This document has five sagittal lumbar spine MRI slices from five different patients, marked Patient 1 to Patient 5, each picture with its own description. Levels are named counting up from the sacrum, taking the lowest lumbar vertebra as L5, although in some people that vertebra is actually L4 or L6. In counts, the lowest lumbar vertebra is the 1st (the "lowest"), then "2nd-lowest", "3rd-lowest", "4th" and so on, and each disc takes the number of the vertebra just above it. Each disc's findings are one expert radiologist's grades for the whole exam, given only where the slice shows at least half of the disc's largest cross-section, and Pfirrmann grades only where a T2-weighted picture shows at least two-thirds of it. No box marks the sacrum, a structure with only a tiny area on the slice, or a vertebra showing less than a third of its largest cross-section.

Patient 1 of 5:
Sex M. MRI lumbar spine (T2 SPACE (3D)), sagittal plane. SIEMENS Avanto_fit (1.5T).

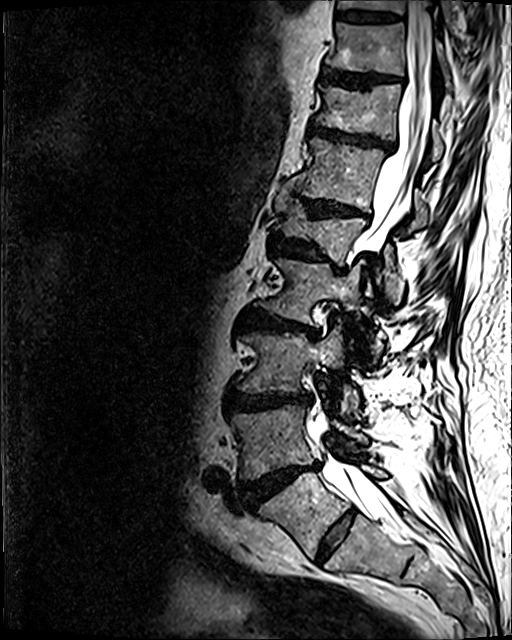
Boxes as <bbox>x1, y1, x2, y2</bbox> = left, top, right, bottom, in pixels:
L3/L4 at <bbox>228, 390, 312, 413</bbox>, disc T12/L1 at <bbox>305, 200, 368, 217</bbox>, L4 vertebra at <bbox>232, 405, 367, 479</bbox>, disc T11/T12 at <bbox>310, 123, 391, 151</bbox>, T9/T10 at <bbox>337, 11, 400, 21</bbox>, T9 vertebra at <bbox>338, 0, 454, 30</bbox>, disc L2/L3 at <bbox>243, 311, 319, 338</bbox>, T12 at <bbox>289, 137, 430, 231</bbox>, L1 at <bbox>275, 187, 397, 292</bbox>, L5 at <bbox>259, 465, 388, 558</bbox>, T11 vertebra at <bbox>315, 84, 443, 161</bbox>, L5/S1 at <bbox>315, 510, 355, 562</bbox>, T10/T11 at <bbox>321, 69, 402, 87</bbox>, L1/L2 at <bbox>270, 235, 337, 270</bbox>, spinal canal at <bbox>307, 0, 432, 521</bbox>, T10 vertebra at <bbox>325, 22, 451, 91</bbox>, L2 at <bbox>256, 258, 380, 354</bbox>, L3 at <bbox>237, 326, 359, 412</bbox>, disc L4/L5 at <bbox>243, 463, 318, 506</bbox>.

Per-level radiological findings:
- T10/T11: Pfirrmann grade 4, lower-endplate change, upper-endplate change, disc bulging
- L4/L5: Pfirrmann grade 5, Modic type II, disc bulging, disc narrowing, disc herniation, lower-endplate change, upper-endplate change
- T9/T10: Pfirrmann grade 3, lower-endplate change
- L2/L3: upper-endplate change, disc bulging, lower-endplate change, disc narrowing, Modic type II
- L5/S1: Pfirrmann grade 2
- L1/L2: upper-endplate change, disc bulging, disc narrowing, lower-endplate change
- T12/L1: disc narrowing, disc bulging, upper-endplate change, lower-endplate change
- T11/T12: Pfirrmann grade 4, lower-endplate change, disc bulging, disc narrowing, upper-endplate change
- L3/L4: Pfirrmann grade 4, disc bulging, disc narrowing, lower-endplate change, upper-endplate change

Patient 2 of 5:
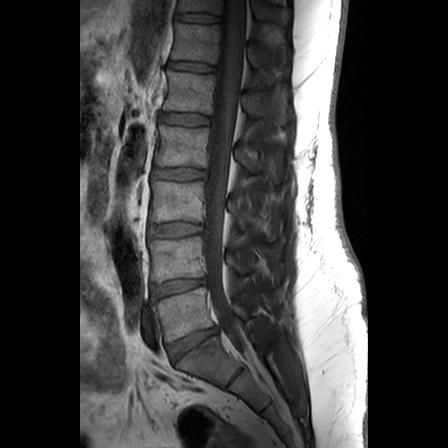

Sagittal slice index 11 | T1-weighted sagittal MRI of the lumbar spine | Patient sex: M
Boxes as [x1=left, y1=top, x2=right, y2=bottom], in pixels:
- T11 (7th vertebra) = [x1=178, y1=0, x2=275, y2=20]
- L4 (2nd-lowest vertebra) = [x1=149, y1=236, x2=254, y2=281]
- L2 (4th vertebra) = [x1=155, y1=125, x2=252, y2=170]
- IVD L2/L3 (4th disc) = [x1=152, y1=168, x2=205, y2=179]
- L4/L5 (2nd-lowest disc) = [x1=151, y1=279, x2=204, y2=298]
- L3/L4 (3rd-lowest disc) = [x1=149, y1=222, x2=201, y2=236]
- L1 (5th vertebra) = [x1=164, y1=70, x2=289, y2=122]
- thecal sac / spinal canal = [x1=203, y1=0, x2=251, y2=357]
- L3 (3rd-lowest vertebra) = [x1=150, y1=181, x2=249, y2=229]
- IVD L1/L2 (5th disc) = [x1=159, y1=112, x2=208, y2=125]
- IVD T12/L1 (6th disc) = [x1=170, y1=61, x2=214, y2=71]
- T12 (6th vertebra) = [x1=172, y1=22, x2=273, y2=67]
- T11/T12 (7th disc) = [x1=176, y1=13, x2=218, y2=22]
- L5/S1 (lowest disc) = [x1=167, y1=327, x2=217, y2=361]
- L5 (lowest vertebra) = [x1=153, y1=287, x2=252, y2=341]

Per-level radiological findings:
- L5/S1 (lowest disc): disc bulging
- L2/L3 (4th disc): disc bulging
- T12/L1 (6th disc), L4/L5 (2nd-lowest disc), L3/L4 (3rd-lowest disc), T11/T12 (7th disc), L1/L2 (5th disc): no spondylolisthesis, narrowing, bulging, herniation, Modic or endplate change recorded

Patient 3 of 5:
Slice 11 of 19. Lumbar spine MR, T1-weighted, sagittal. 320x323 px.
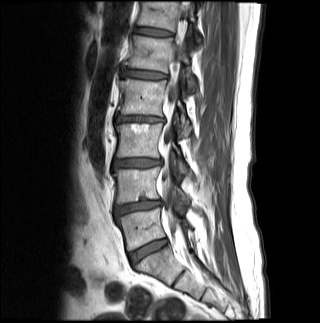

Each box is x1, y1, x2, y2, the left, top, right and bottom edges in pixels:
L3 = 116, 124, 186, 172.
L4/L5 = 114, 201, 161, 215.
Thecal sac / spinal canal = 162, 9, 187, 235.
L1 = 124, 36, 195, 89.
IVD L1/L2 = 122, 69, 167, 78.
IVD L3/L4 = 113, 158, 161, 167.
IVD L5/S1 = 129, 239, 167, 264.
L4 = 113, 167, 190, 204.
IVD L2/L3 = 116, 115, 163, 123.
IVD T12/L1 = 135, 28, 172, 36.
L2 vertebra = 118, 79, 191, 137.
T12 = 137, 1, 200, 41.
L5 vertebra = 117, 208, 189, 251.

Per-level radiological findings:
- L1/L2: lower-endplate change, upper-endplate change
- L2/L3: disc narrowing, upper-endplate change, Modic type II, lower-endplate change, disc bulging
- L4/L5: disc bulging, lower-endplate change, disc narrowing
- L3/L4: disc bulging
- T12/L1, L5/S1: no herniation, bulging, narrowing, spondylolisthesis, endplate or Modic change recorded

Patient 4 of 5:
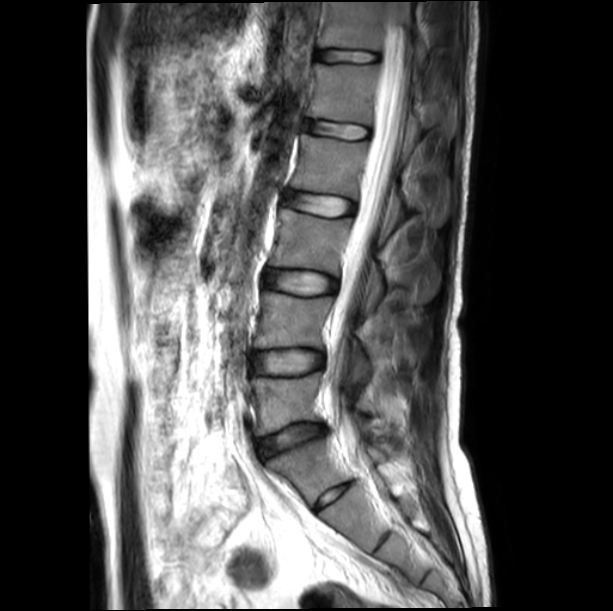 T2-weighted sagittal MRI of the lumbar spine
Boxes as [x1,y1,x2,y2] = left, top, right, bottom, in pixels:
Spinal canal at [330,19,405,455].
L5 vertebra at [252,373,372,435].
Intervertebral disc L2/L3 at [284,191,355,217].
L5/S1 at [258,424,324,456].
L3/L4 at [264,270,337,295].
T12 vertebra at [319,2,426,70].
L2 vertebra at [292,134,446,232].
Intervertebral disc T12/L1 at [317,50,378,62].
L4/L5 at [252,349,323,374].
Intervertebral disc L1/L2 at [302,120,368,138].
L4 at [255,292,368,373].
L1 at [305,64,456,152].
L3 at [269,209,381,310].

Per-level radiological findings:
  L1/L2: Pfirrmann grade 1
  L2/L3: Pfirrmann grade 1
  L3/L4: Pfirrmann grade 1
  L4/L5: Pfirrmann grade 1
  T12/L1: Pfirrmann grade 1
  L5/S1: Pfirrmann grade 2, disc narrowing, disc bulging

Patient 5 of 5:
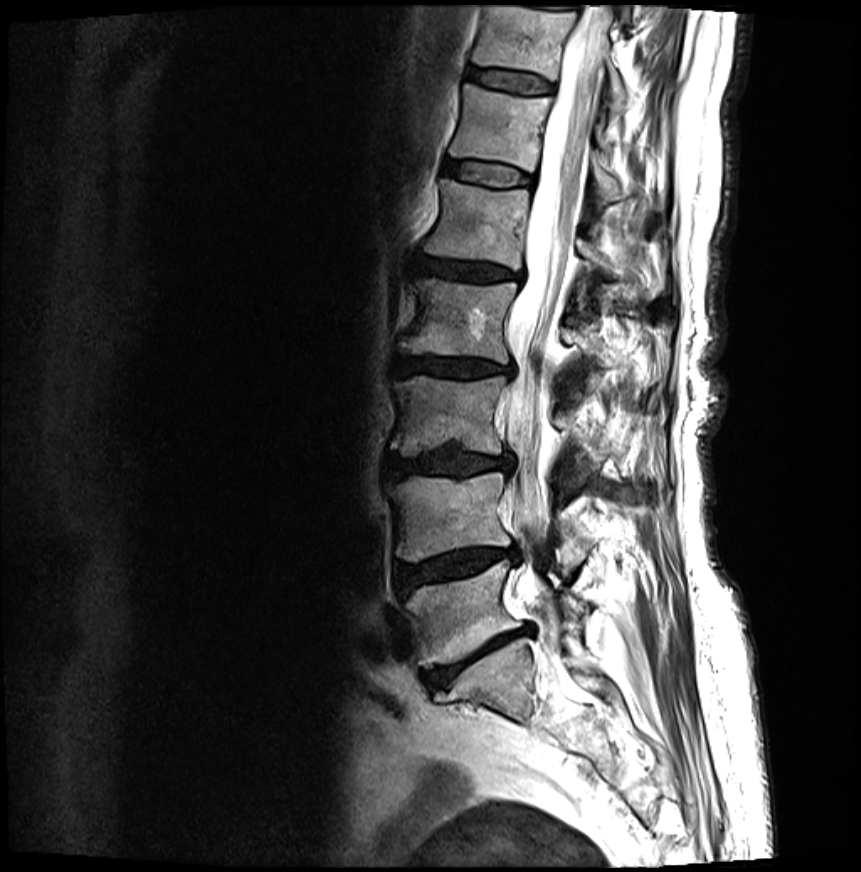
Lumbar spine MR, T2-weighted, sagittal
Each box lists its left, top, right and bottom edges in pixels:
7th vertebra at left=471, top=6, right=628, bottom=117; 6th vertebra at left=449, top=85, right=623, bottom=200; 3rd-lowest disc at left=387, top=450, right=513, bottom=477; 7th disc at left=467, top=69, right=552, bottom=95; lowest disc at left=424, top=627, right=529, bottom=689; thecal sac / spinal canal at left=504, top=6, right=609, bottom=639; 6th disc at left=446, top=162, right=530, bottom=188; 3rd-lowest vertebra at left=390, top=376, right=599, bottom=461; 4th disc at left=393, top=357, right=512, bottom=377; 5th disc at left=415, top=257, right=520, bottom=282; 5th vertebra at left=424, top=180, right=663, bottom=297; 4th vertebra at left=398, top=278, right=614, bottom=367; 2nd-lowest disc at left=395, top=548, right=517, bottom=592; lowest vertebra at left=405, top=560, right=587, bottom=668; 2nd-lowest vertebra at left=388, top=473, right=586, bottom=568.

Radiological gradings:
  2nd-lowest disc: Pfirrmann grade 4, upper-endplate change, Modic type II, disc herniation, lower-endplate change, disc narrowing, disc bulging
  3rd-lowest disc: Pfirrmann grade 4, lower-endplate change, disc narrowing, Modic type II, upper-endplate change, disc bulging
  6th disc: Pfirrmann grade 2, upper-endplate change, Modic type II, lower-endplate change
  5th disc: Pfirrmann grade 4, disc narrowing, lower-endplate change, Modic type II, upper-endplate change, disc bulging
  7th disc: Pfirrmann grade 2, Modic type II, upper-endplate change, lower-endplate change
  lowest disc: upper-endplate change, Modic type II, disc bulging, disc narrowing, lower-endplate change
  4th disc: Pfirrmann grade 4, upper-endplate change, disc narrowing, Modic type II, lower-endplate change, disc bulging